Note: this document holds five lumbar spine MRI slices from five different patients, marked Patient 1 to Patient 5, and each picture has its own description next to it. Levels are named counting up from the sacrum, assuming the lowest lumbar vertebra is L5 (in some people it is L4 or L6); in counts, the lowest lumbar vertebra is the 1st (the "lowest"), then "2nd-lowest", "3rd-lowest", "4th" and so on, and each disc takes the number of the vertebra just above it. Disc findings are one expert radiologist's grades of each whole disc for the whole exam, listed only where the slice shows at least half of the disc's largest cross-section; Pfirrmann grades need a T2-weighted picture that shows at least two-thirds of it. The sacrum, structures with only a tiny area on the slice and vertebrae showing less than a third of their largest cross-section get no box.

Patient 1 of 5:
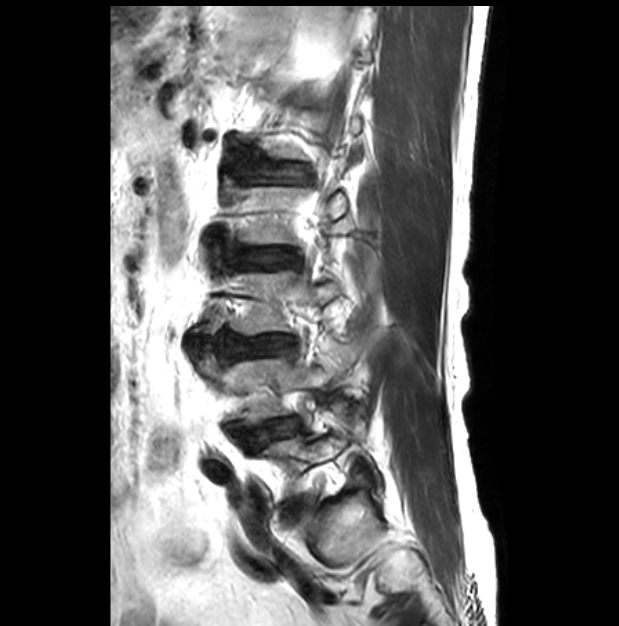
T2-weighted sagittal MRI of the lumbar spine

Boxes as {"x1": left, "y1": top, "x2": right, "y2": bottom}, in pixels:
L5 = {"x1": 262, "y1": 433, "x2": 382, "y2": 496}.
L2 = {"x1": 235, "y1": 186, "x2": 346, "y2": 244}.
Intervertebral disc L1/L2 = {"x1": 228, "y1": 142, "x2": 311, "y2": 182}.
L3 vertebra = {"x1": 235, "y1": 270, "x2": 340, "y2": 335}.
Intervertebral disc L2/L3 = {"x1": 232, "y1": 247, "x2": 303, "y2": 273}.
L3/L4 = {"x1": 193, "y1": 328, "x2": 292, "y2": 362}.
L4 = {"x1": 206, "y1": 349, "x2": 347, "y2": 424}.
L5/S1 = {"x1": 286, "y1": 503, "x2": 299, "y2": 514}.
L4/L5 = {"x1": 236, "y1": 419, "x2": 297, "y2": 445}.

Degenerative findings by level:
  L3/L4: Pfirrmann grade 1
  L1/L2: Pfirrmann grade 1
  L4/L5: spondylolisthesis, disc narrowing, disc bulging, upper-endplate change, lower-endplate change
  L2/L3: no herniation, bulging, narrowing, spondylolisthesis, endplate or Modic change recorded

Patient 2 of 5:
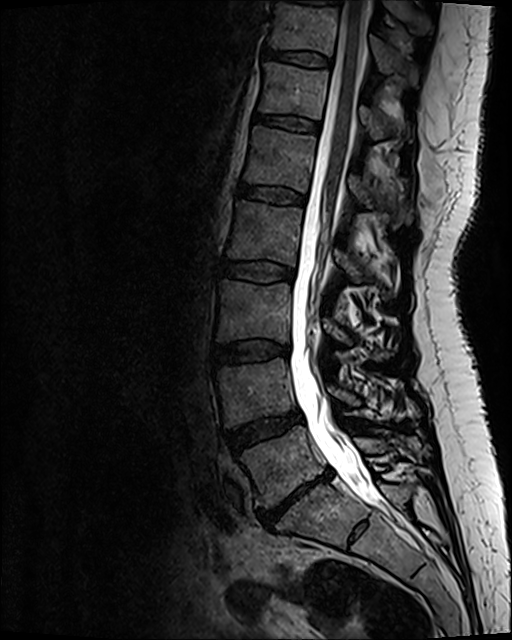
Sex F, MRI lumbar spine (T2 SPACE (3D)), sagittal plane

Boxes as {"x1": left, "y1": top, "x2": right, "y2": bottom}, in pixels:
L3/L4: {"x1": 212, "y1": 341, "x2": 288, "y2": 364}.
Spinal canal: {"x1": 290, "y1": 1, "x2": 379, "y2": 505}.
Disc L1/L2: {"x1": 238, "y1": 184, "x2": 305, "y2": 204}.
L5: {"x1": 239, "y1": 425, "x2": 385, "y2": 507}.
Disc L5/S1: {"x1": 257, "y1": 470, "x2": 331, "y2": 526}.
L4: {"x1": 216, "y1": 357, "x2": 359, "y2": 425}.
L3: {"x1": 216, "y1": 281, "x2": 388, "y2": 357}.
L2: {"x1": 227, "y1": 201, "x2": 392, "y2": 300}.
L2/L3: {"x1": 220, "y1": 260, "x2": 294, "y2": 281}.
T12 vertebra: {"x1": 259, "y1": 63, "x2": 384, "y2": 138}.
Disc T11/T12: {"x1": 265, "y1": 51, "x2": 329, "y2": 65}.
L1: {"x1": 245, "y1": 127, "x2": 410, "y2": 227}.
T11 vertebra: {"x1": 271, "y1": 3, "x2": 415, "y2": 81}.
L4/L5: {"x1": 226, "y1": 411, "x2": 301, "y2": 451}.
Disc T12/L1: {"x1": 255, "y1": 114, "x2": 319, "y2": 131}.

Degenerative findings by level:
- T12/L1: Pfirrmann grade 2
- L1/L2: Pfirrmann grade 2
- L3/L4: Pfirrmann grade 2, disc bulging
- L4/L5: Pfirrmann grade 3, disc bulging
- L2/L3: Pfirrmann grade 2
- L5/S1: Pfirrmann grade 5, upper-endplate change, disc narrowing, lower-endplate change, disc herniation, Modic type III, disc bulging
- T11/T12: Pfirrmann grade 2

Patient 3 of 5:
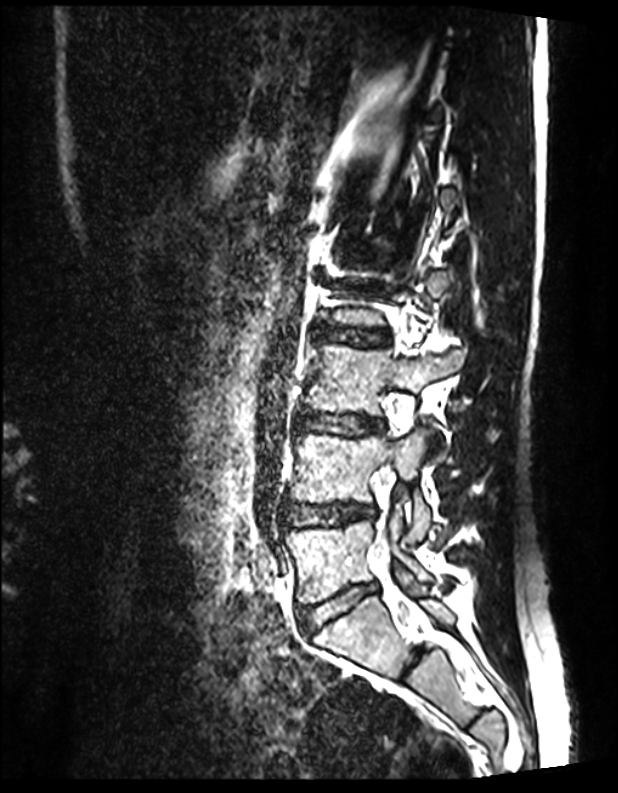

Slice 53/144, Lumbar spine MR, T2 SPACE (3D), sagittal, Image 618x793, Sex M
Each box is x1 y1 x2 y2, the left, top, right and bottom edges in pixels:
Segmented structures:
* L4 vertebra = 290 432 432 541
* L5 = 286 508 430 603
* L3 = 305 345 463 425
* L4/L5 = 287 503 374 525
* intervertebral disc L3/L4 = 296 413 383 436
* intervertebral disc L2/L3 = 315 325 389 346
* L5/S1 = 299 583 377 633
* thecal sac / spinal canal = 377 532 383 544

Expert MSK radiologist gradings (per disc):
• L5/S1: Pfirrmann grade 1
• L3/L4: Pfirrmann grade 1
• L2/L3: Pfirrmann grade 1
• L4/L5: Pfirrmann grade 1

Patient 4 of 5:
Sagittal slice index 21, Sex M, MRI lumbar spine (T2-weighted), sagittal plane

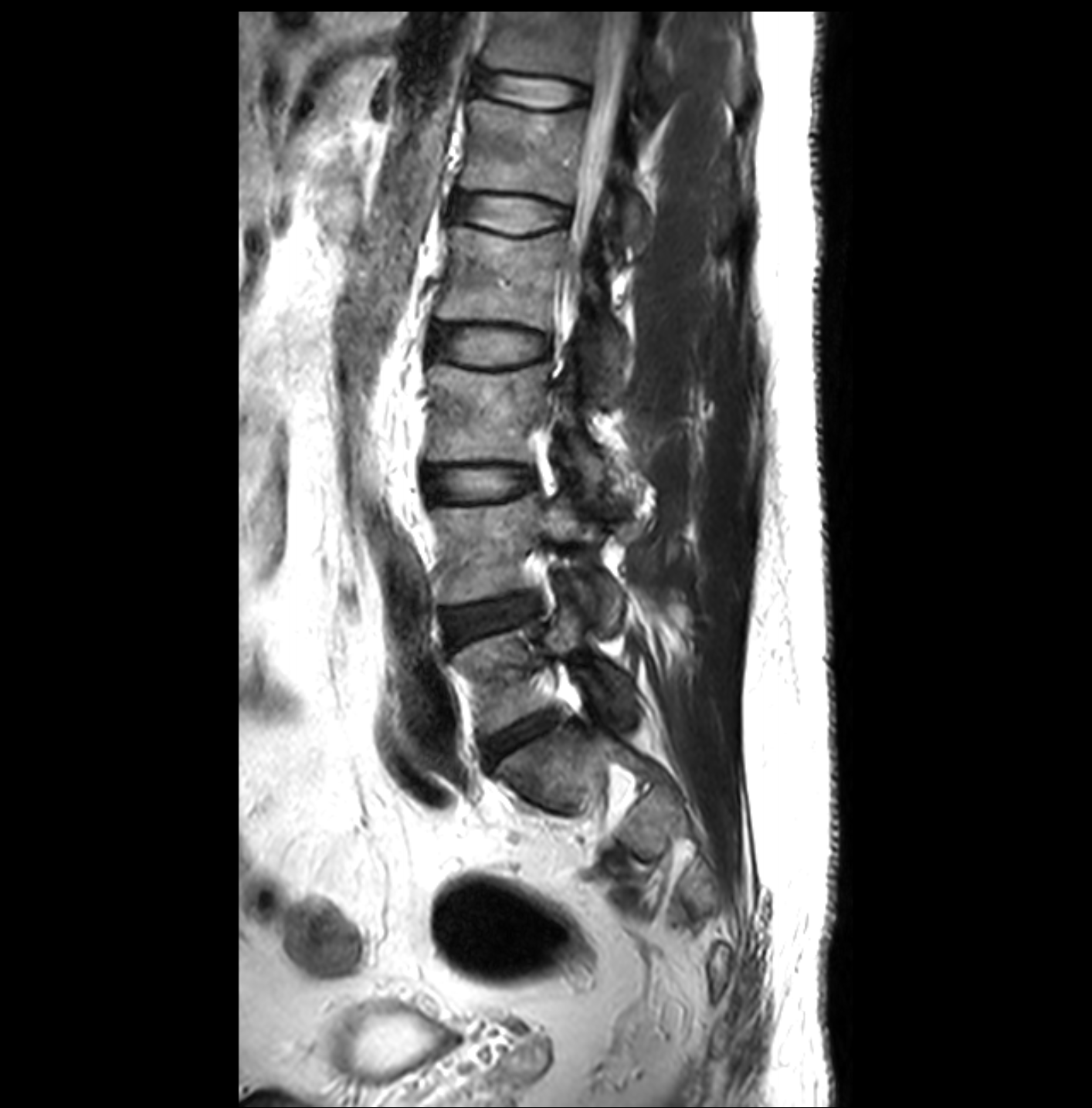
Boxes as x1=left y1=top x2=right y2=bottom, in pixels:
Segmented structures:
* L5/S1 (lowest disc) = x1=483 y1=714 x2=552 y2=764
* T12 (6th vertebra) = x1=483 y1=12 x2=673 y2=106
* IVD L4/L5 (2nd-lowest disc) = x1=445 y1=596 x2=538 y2=642
* IVD L3/L4 (3rd-lowest disc) = x1=426 y1=469 x2=533 y2=500
* L3 (3rd-lowest vertebra) = x1=428 y1=364 x2=603 y2=500
* spinal canal = x1=570 y1=12 x2=640 y2=296
* L2 (4th vertebra) = x1=436 y1=223 x2=622 y2=405
* IVD L1/L2 (5th disc) = x1=454 y1=195 x2=567 y2=231
* L1 (5th vertebra) = x1=459 y1=98 x2=644 y2=251
* L4 (2nd-lowest vertebra) = x1=432 y1=491 x2=622 y2=626
* IVD L2/L3 (4th disc) = x1=432 y1=328 x2=548 y2=364
* L5 (lowest vertebra) = x1=456 y1=600 x2=634 y2=737
* T12/L1 (6th disc) = x1=476 y1=72 x2=588 y2=106

Radiological gradings:
• L3/L4 (3rd-lowest disc): Pfirrmann grade 1
• L4/L5 (2nd-lowest disc): disc herniation
• L1/L2 (5th disc): Pfirrmann grade 1
• T12/L1 (6th disc): Pfirrmann grade 1
• L2/L3 (4th disc): Pfirrmann grade 1

Patient 5 of 5:
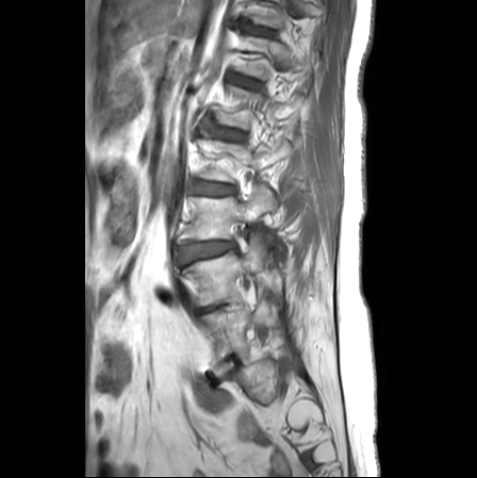 Slice 8 of 25. Lumbar spine MR, T1-weighted, sagittal.
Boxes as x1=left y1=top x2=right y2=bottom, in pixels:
3rd-lowest disc = x1=181 y1=241 x2=233 y2=263 | 2nd-lowest disc = x1=199 y1=304 x2=224 y2=313 | 7th disc = x1=251 y1=27 x2=273 y2=34 | lowest vertebra = x1=201 y1=301 x2=283 y2=364 | lowest disc = x1=221 y1=356 x2=240 y2=372 | 5th disc = x1=215 y1=128 x2=244 y2=139 | 4th disc = x1=193 y1=181 x2=233 y2=194 | 2nd-lowest vertebra = x1=182 y1=232 x2=271 y2=306 | 3rd-lowest vertebra = x1=178 y1=186 x2=284 y2=257 | 6th disc = x1=231 y1=74 x2=259 y2=87

Per-level radiological findings:
- 4th disc: upper-endplate change, lower-endplate change, disc bulging
- 5th disc: upper-endplate change, lower-endplate change
- 3rd-lowest disc: lower-endplate change, Modic type II, upper-endplate change, disc bulging
- 6th disc: no herniation, bulging, narrowing, spondylolisthesis, endplate or Modic change recorded